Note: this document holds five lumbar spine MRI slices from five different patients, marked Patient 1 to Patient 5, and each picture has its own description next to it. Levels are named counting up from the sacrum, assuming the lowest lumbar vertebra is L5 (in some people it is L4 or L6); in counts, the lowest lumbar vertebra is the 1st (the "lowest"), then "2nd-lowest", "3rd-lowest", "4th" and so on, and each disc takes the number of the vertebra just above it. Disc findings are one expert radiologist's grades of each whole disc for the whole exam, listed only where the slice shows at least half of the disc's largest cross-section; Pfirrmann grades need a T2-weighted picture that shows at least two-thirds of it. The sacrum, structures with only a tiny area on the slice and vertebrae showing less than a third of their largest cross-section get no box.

Patient 1 of 5:
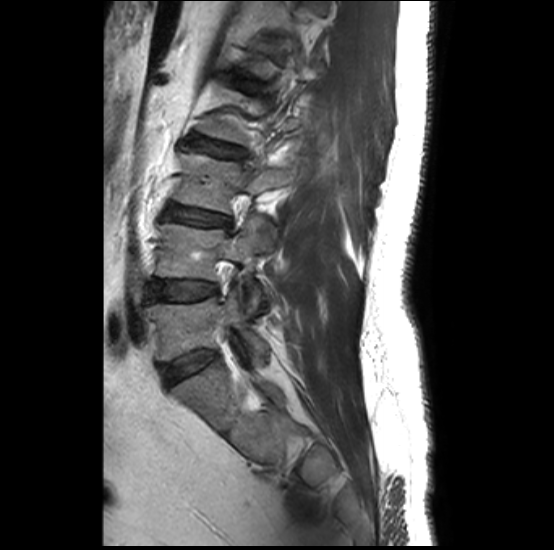

Sagittal T2-weighted lumbar spine MRI, 554x550 px, Field of view 285x283 mm

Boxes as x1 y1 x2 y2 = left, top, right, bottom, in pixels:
Structures:
• L5/S1: 165 351 216 381
• L4/L5: 154 281 216 300
• L3: 175 152 294 213
• L2/L3: 183 138 244 158
• L4 vertebra: 156 218 263 301
• L5 vertebra: 152 291 266 360
• L3/L4: 165 205 231 227

Degenerative findings by level:
  L5/S1: Pfirrmann grade 1
  L2/L3: Pfirrmann grade 2, upper-endplate change, Modic type II, lower-endplate change
  L4/L5: Pfirrmann grade 1, upper-endplate change, lower-endplate change, Modic type II
  L3/L4: Pfirrmann grade 2, Modic type II, upper-endplate change, lower-endplate change

Patient 2 of 5:
Slice 43/120 | Field of view 240x300 mm | 512x640 px | MRI lumbar spine (T2 SPACE (3D)), sagittal plane 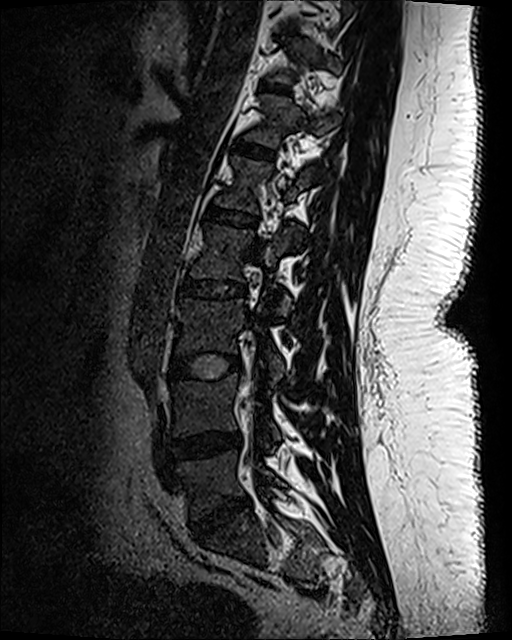
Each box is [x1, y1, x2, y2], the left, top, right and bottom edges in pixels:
L1/L2 — [203, 203, 259, 229].
T12 vertebra — [245, 95, 338, 147].
L5 vertebra — [178, 451, 283, 518].
L4 — [171, 374, 281, 439].
IVD L4/L5 — [172, 431, 240, 459].
IVD L2/L3 — [179, 276, 247, 299].
IVD T11/T12 — [260, 82, 289, 94].
T11 vertebra — [268, 38, 341, 83].
L1 vertebra — [216, 155, 316, 213].
L5/S1 — [191, 497, 249, 538].
L2 vertebra — [191, 223, 301, 313].
T12/L1 — [232, 139, 274, 161].
L3/L4 — [169, 353, 240, 381].
L3 — [178, 299, 284, 379].

Degenerative findings by level:
  L5/S1: Pfirrmann grade 4, disc narrowing, disc bulging
  L2/L3: Pfirrmann grade 1
  L4/L5: Pfirrmann grade 3, disc bulging, disc narrowing
  L3/L4: Pfirrmann grade 1
  T12/L1, L1/L2: no Modic or endplate change, herniation, narrowing, bulging or spondylolisthesis recorded

Patient 3 of 5:
Field of view 300x300 mm; Lumbar spine MR, T1-weighted, sagittal; Slice 11 of 17

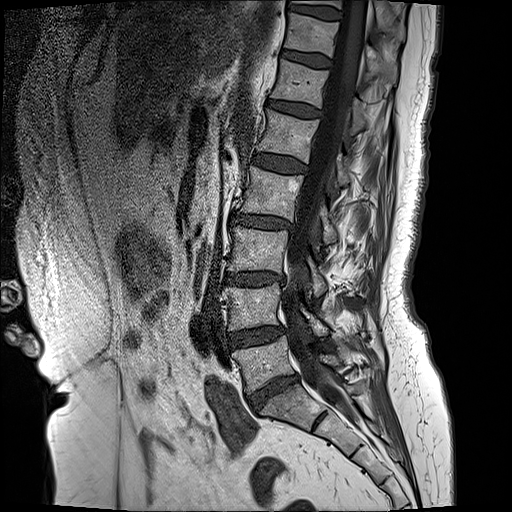

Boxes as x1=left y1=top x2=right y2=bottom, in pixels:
• L3/L4 — x1=223 y1=272 x2=283 y2=282
• disc L4/L5 — x1=231 y1=326 x2=282 y2=345
• T12 vertebra — x1=271 y1=58 x2=366 y2=133
• L2 — x1=237 y1=166 x2=337 y2=244
• L5/S1 — x1=249 y1=375 x2=297 y2=409
• disc T10/T11 — x1=286 y1=4 x2=342 y2=19
• T10 — x1=293 y1=0 x2=405 y2=39
• T11 — x1=285 y1=13 x2=396 y2=83
• thecal sac / spinal canal — x1=282 y1=1 x2=366 y2=417
• L4 vertebra — x1=223 y1=282 x2=327 y2=337
• disc T12/L1 — x1=267 y1=99 x2=321 y2=117
• disc L2/L3 — x1=230 y1=212 x2=292 y2=228
• disc T11/T12 — x1=282 y1=50 x2=330 y2=66
• L3 vertebra — x1=230 y1=226 x2=326 y2=297
• L1 vertebra — x1=258 y1=110 x2=348 y2=185
• L5 vertebra — x1=234 y1=337 x2=339 y2=393
• disc L1/L2 — x1=251 y1=153 x2=306 y2=172

Per-level radiological findings:
• L3/L4: disc narrowing, Modic type II, lower-endplate change, upper-endplate change, disc bulging
• L4/L5: disc bulging
• L2/L3: disc bulging, lower-endplate change, Modic type II, upper-endplate change, disc narrowing
• T12/L1: disc bulging
• L5/S1: disc bulging, disc narrowing
• L1/L2, T10/T11, T11/T12: no herniation, bulging, narrowing, spondylolisthesis, endplate or Modic change recorded

Patient 4 of 5:
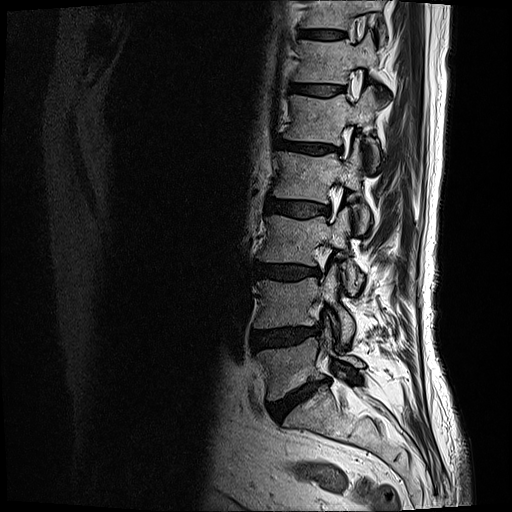
Sagittal slice index 14 | Lumbar spine MR, T2-weighted, sagittal | Sex M
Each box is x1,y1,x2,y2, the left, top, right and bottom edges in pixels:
{"4th vertebra": "274,147,371,231", "2nd-lowest disc": "252,326,319,350", "5th vertebra": "284,88,379,160", "2nd-lowest vertebra": "256,268,354,343", "lowest vertebra": "257,336,363,400", "5th disc": "279,140,334,153", "7th disc": "299,30,345,38", "4th disc": "266,197,327,218", "3rd-lowest vertebra": "259,208,360,293", "3rd-lowest disc": "254,262,319,280", "6th vertebra": "294,33,379,84", "7th vertebra": "300,0,385,43", "lowest disc": "268,380,327,421", "6th disc": "291,85,343,96"}

Per-level radiological findings:
- 7th disc: Pfirrmann grade 3
- 2nd-lowest disc: Pfirrmann grade 4, disc herniation, disc bulging
- 4th disc: Pfirrmann grade 3, disc bulging
- lowest disc: Pfirrmann grade 5, lower-endplate change, Modic type II, disc narrowing, disc bulging
- 5th disc: disc narrowing, Modic type II, disc bulging, upper-endplate change, lower-endplate change
- 6th disc: Pfirrmann grade 3
- 3rd-lowest disc: Pfirrmann grade 4, lower-endplate change, disc bulging, Modic type II, disc narrowing

Patient 5 of 5:
Lumbar spine MR, T1-weighted, sagittal; Slice spacing 3.3 mm; Sex M

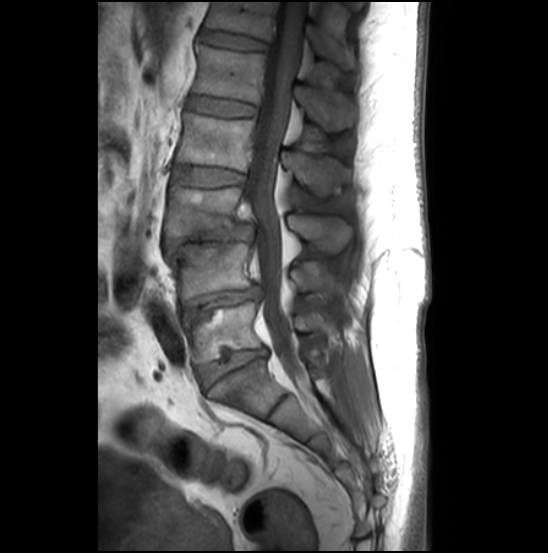
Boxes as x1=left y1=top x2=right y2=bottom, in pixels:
3rd-lowest vertebra at x1=165 y1=185 x2=352 y2=252.
4th vertebra at x1=177 y1=113 x2=350 y2=196.
6th disc at x1=201 y1=30 x2=267 y2=49.
3rd-lowest disc at x1=164 y1=224 x2=254 y2=251.
Lowest vertebra at x1=184 y1=301 x2=316 y2=363.
Spinal canal at x1=246 y1=2 x2=305 y2=377.
4th disc at x1=174 y1=167 x2=245 y2=186.
5th disc at x1=189 y1=95 x2=256 y2=116.
6th vertebra at x1=207 y1=2 x2=356 y2=69.
Lowest disc at x1=198 y1=348 x2=267 y2=389.
2nd-lowest disc at x1=181 y1=285 x2=261 y2=314.
2nd-lowest vertebra at x1=169 y1=242 x2=343 y2=298.
5th vertebra at x1=193 y1=44 x2=355 y2=131.

Per-level radiological findings:
• 3rd-lowest disc: spondylolisthesis, lower-endplate change, Modic type II, disc narrowing, disc herniation, upper-endplate change
• 2nd-lowest disc: disc bulging, lower-endplate change, Modic type II, disc narrowing, upper-endplate change
• lowest disc: lower-endplate change, disc narrowing, upper-endplate change, disc bulging, Modic type II
• 5th disc, 6th disc, 4th disc: no Modic or endplate change, herniation, narrowing, bulging or spondylolisthesis recorded